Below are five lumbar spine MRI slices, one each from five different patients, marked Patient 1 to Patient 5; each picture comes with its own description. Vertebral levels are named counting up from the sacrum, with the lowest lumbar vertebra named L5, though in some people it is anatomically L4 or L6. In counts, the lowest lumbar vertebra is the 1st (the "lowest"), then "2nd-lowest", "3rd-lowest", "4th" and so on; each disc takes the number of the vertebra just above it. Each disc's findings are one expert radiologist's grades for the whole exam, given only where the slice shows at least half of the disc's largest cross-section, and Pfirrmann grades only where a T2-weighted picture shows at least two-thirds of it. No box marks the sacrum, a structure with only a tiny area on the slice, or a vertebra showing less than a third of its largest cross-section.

Patient 1 of 5:
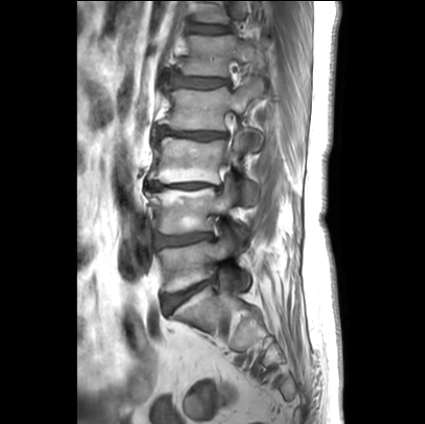 Slice spacing 3.3 mm. Slice 9/27. Lumbar spine MR, T1-weighted, sagittal. Image 425x424.
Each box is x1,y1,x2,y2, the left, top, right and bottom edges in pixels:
- IVD L2/L3 (4th disc): 153,126,224,140
- T12/L1 (6th disc): 190,25,224,33
- L1 (5th vertebra): 182,35,256,76
- L4 (2nd-lowest vertebra): 146,179,246,243
- L5 (lowest vertebra): 160,235,249,292
- L5/S1 (lowest disc): 162,280,212,313
- L3 (3rd-lowest vertebra): 148,134,256,205
- IVD L3/L4 (3rd-lowest disc): 145,182,221,190
- IVD L4/L5 (2nd-lowest disc): 155,233,212,247
- IVD L1/L2 (5th disc): 168,73,230,87
- L2 (4th vertebra): 160,78,263,151

Per-level radiological findings:
• L4/L5 (2nd-lowest disc): disc bulging
• L3/L4 (3rd-lowest disc): disc bulging, Modic type II, upper-endplate change, disc narrowing, lower-endplate change
• L1/L2 (5th disc): upper-endplate change, lower-endplate change, disc bulging
• L2/L3 (4th disc): lower-endplate change, upper-endplate change, disc narrowing, disc bulging
• L5/S1 (lowest disc): disc bulging
• T12/L1 (6th disc): no spondylolisthesis, narrowing, bulging, herniation, Modic or endplate change recorded

Patient 2 of 5:
Image 768x768, MRI lumbar spine (T2-weighted), sagittal plane, SIEMENS Skyra_fit (3T), Sagittal slice index 5 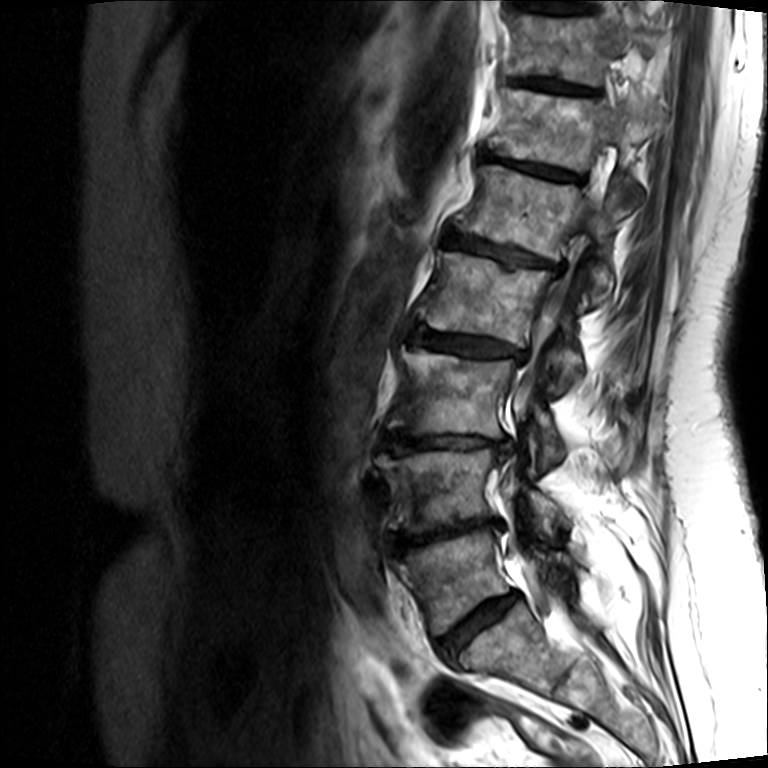
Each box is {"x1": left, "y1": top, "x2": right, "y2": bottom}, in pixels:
{"L5/S1": {"x1": 436, "y1": 592, "x2": 518, "y2": 659}, "thecal sac / spinal canal": {"x1": 506, "y1": 197, "x2": 596, "y2": 606}, "T12 vertebra": {"x1": 489, "y1": 88, "x2": 662, "y2": 202}, "L3 vertebra": {"x1": 388, "y1": 345, "x2": 564, "y2": 464}, "T11/T12": {"x1": 512, "y1": 76, "x2": 598, "y2": 93}, "L4 vertebra": {"x1": 379, "y1": 448, "x2": 560, "y2": 530}, "L4/L5": {"x1": 388, "y1": 518, "x2": 501, "y2": 554}, "L5": {"x1": 397, "y1": 531, "x2": 580, "y2": 634}, "IVD L3/L4": {"x1": 383, "y1": 429, "x2": 512, "y2": 458}, "L2": {"x1": 417, "y1": 250, "x2": 584, "y2": 388}, "IVD T12/L1": {"x1": 483, "y1": 149, "x2": 582, "y2": 179}, "T11": {"x1": 512, "y1": 14, "x2": 659, "y2": 84}, "IVD L2/L3": {"x1": 406, "y1": 322, "x2": 523, "y2": 359}, "IVD L1/L2": {"x1": 445, "y1": 230, "x2": 565, "y2": 271}, "L1": {"x1": 454, "y1": 164, "x2": 628, "y2": 303}}

Radiological gradings:
- L5/S1: Pfirrmann grade 3, lower-endplate change, disc bulging, disc narrowing, Modic type II, upper-endplate change
- L4/L5: Pfirrmann grade 5, Modic type II, lower-endplate change, upper-endplate change, disc herniation, disc narrowing
- L2/L3: Pfirrmann grade 3, lower-endplate change, disc bulging, Modic type II, upper-endplate change, disc narrowing
- L3/L4: Pfirrmann grade 5, Modic type II, lower-endplate change, disc herniation, disc narrowing, upper-endplate change
- L1/L2: Pfirrmann grade 4, Modic type II, upper-endplate change, lower-endplate change, disc narrowing, disc bulging
- T12/L1: Pfirrmann grade 5, upper-endplate change, disc narrowing, Modic type II, lower-endplate change, disc bulging
- T11/T12: Pfirrmann grade 3, lower-endplate change, Modic type II, upper-endplate change, disc narrowing

Patient 3 of 5:
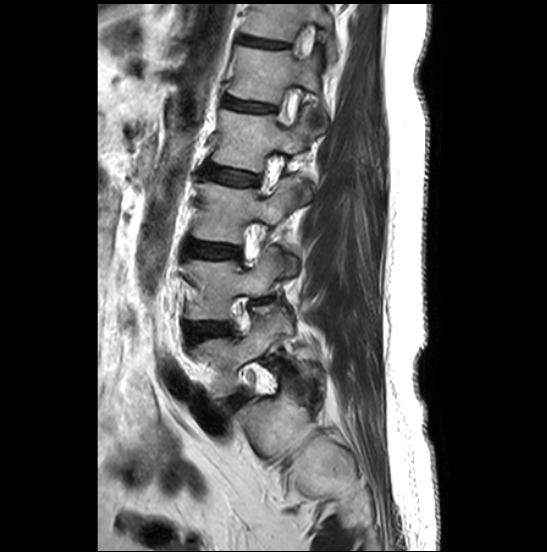 Sagittal slice index 19 | T2-weighted sagittal MRI of the lumbar spine
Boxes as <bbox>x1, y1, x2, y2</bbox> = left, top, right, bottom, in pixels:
L4/L5: <bbox>186, 324, 229, 338</bbox>.
IVD L3/L4: <bbox>191, 244, 238, 257</bbox>.
L1: <bbox>228, 45, 325, 120</bbox>.
L5: <bbox>191, 314, 285, 398</bbox>.
L4: <bbox>186, 247, 282, 319</bbox>.
L3 vertebra: <bbox>192, 177, 297, 274</bbox>.
L2/L3: <bbox>205, 165, 257, 184</bbox>.
L2: <bbox>213, 108, 328, 206</bbox>.
T12/L1: <bbox>239, 36, 289, 47</bbox>.
T12 vertebra: <bbox>242, 3, 336, 63</bbox>.
IVD L5/S1: <bbox>225, 390, 245, 409</bbox>.
L1/L2: <bbox>224, 97, 274, 110</bbox>.

Per-level radiological findings:
- L3/L4: Pfirrmann grade 4, disc bulging
- L2/L3: Pfirrmann grade 2
- T12/L1: upper-endplate change, lower-endplate change
- L1/L2: upper-endplate change

Patient 4 of 5:
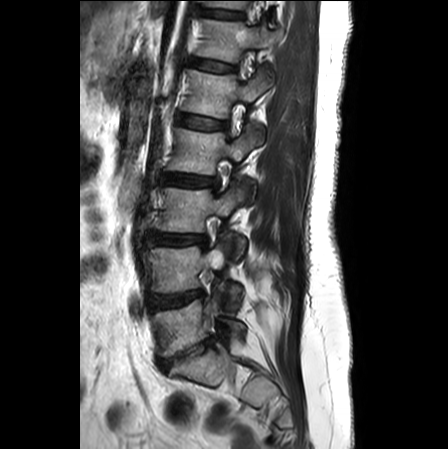 Slice spacing 3.3 mm. Sagittal T2-weighted lumbar spine MRI.

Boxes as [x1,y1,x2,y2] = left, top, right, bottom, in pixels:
IVD L4/L5 at [151,290,203,309], IVD L1/L2 at [180,115,225,129], T12 at [197,19,279,61], L1 vertebra at [184,70,271,134], T11 vertebra at [209,1,246,8], L4 at [151,240,242,310], T12/L1 at [192,58,235,71], L2 vertebra at [170,127,259,174], L3 vertebra at [159,182,246,257], T11/T12 at [204,10,242,17], L2/L3 at [162,174,217,185], L3/L4 at [154,234,206,244], L5 at [152,292,244,357], IVD L5/S1 at [159,336,215,368].

Per-level radiological findings:
• L2/L3: Pfirrmann grade 2, disc bulging
• T12/L1: Pfirrmann grade 1
• L4/L5: disc narrowing, disc bulging
• L3/L4: Pfirrmann grade 3, disc bulging
• L1/L2: Pfirrmann grade 1

Patient 5 of 5:
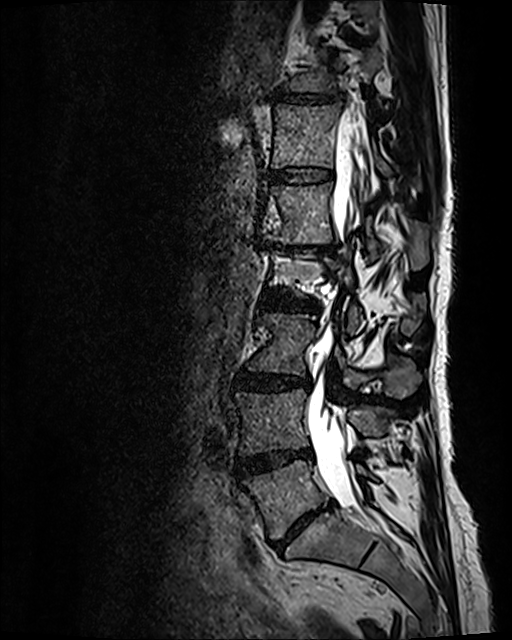
Sagittal T2 SPACE (3D) lumbar spine MRI; 512x640 px; Sagittal slice index 65

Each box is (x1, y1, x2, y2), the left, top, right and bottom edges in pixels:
Annotations:
• L1/L2: (268, 242, 338, 254)
• L5 vertebra: (242, 460, 373, 539)
• L1 vertebra: (263, 182, 429, 270)
• L4: (235, 388, 385, 456)
• L5/S1: (274, 503, 329, 549)
• spinal canal: (306, 115, 369, 500)
• T12: (271, 104, 390, 176)
• L3/L4: (236, 371, 309, 391)
• T11 vertebra: (287, 47, 382, 103)
• L3: (247, 313, 420, 398)
• disc L4/L5: (237, 450, 311, 474)
• L2/L3: (262, 291, 318, 311)
• T11/T12: (273, 89, 345, 106)
• disc T12/L1: (269, 165, 333, 184)

Degenerative findings by level:
• L4/L5: Pfirrmann grade 4, disc bulging, Modic type II, disc narrowing
• L5/S1: Modic type II, lower-endplate change, upper-endplate change, disc narrowing, disc bulging
• T12/L1: Pfirrmann grade 2
• L1/L2: Pfirrmann grade 5, disc bulging, Modic type II, upper-endplate change, disc narrowing, lower-endplate change
• L2/L3: disc bulging, disc narrowing
• L3/L4: Pfirrmann grade 3, disc bulging
• T11/T12: Pfirrmann grade 3, disc narrowing, disc bulging